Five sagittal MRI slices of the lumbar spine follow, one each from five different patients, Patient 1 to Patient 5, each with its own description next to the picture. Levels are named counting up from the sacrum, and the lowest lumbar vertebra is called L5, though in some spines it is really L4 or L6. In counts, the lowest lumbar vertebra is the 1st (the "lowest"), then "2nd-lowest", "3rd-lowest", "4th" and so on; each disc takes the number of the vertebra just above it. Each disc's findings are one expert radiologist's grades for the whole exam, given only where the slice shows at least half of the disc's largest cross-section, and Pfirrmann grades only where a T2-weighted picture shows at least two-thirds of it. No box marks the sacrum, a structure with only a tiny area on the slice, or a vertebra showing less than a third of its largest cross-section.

Patient 1 of 5:
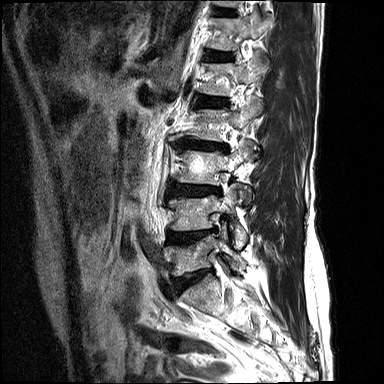

Slice 13/17 | Lumbar spine MR, T2-weighted, sagittal

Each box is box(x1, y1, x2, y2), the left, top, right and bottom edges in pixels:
5th vertebra at box(199, 51, 268, 95).
7th disc at box(215, 7, 235, 15).
6th vertebra at box(208, 12, 268, 50).
2nd-lowest vertebra at box(169, 184, 247, 248).
3rd-lowest disc at box(168, 183, 220, 196).
6th disc at box(207, 50, 233, 61).
Lowest disc at box(174, 270, 210, 290).
4th disc at box(175, 138, 228, 151).
4th vertebra at box(187, 98, 263, 141).
2nd-lowest disc at box(169, 229, 214, 243).
3rd-lowest vertebra at box(176, 141, 256, 191).
Lowest vertebra at box(165, 222, 245, 275).
5th disc at box(196, 95, 228, 107).

Radiological gradings:
  4th disc: Pfirrmann grade 3, lower-endplate change, disc narrowing, upper-endplate change, disc bulging
  5th disc: Pfirrmann grade 3, disc bulging, upper-endplate change, lower-endplate change
  6th disc: lower-endplate change, upper-endplate change
  3rd-lowest disc: Pfirrmann grade 3, lower-endplate change, upper-endplate change, disc bulging

Patient 2 of 5:
Sagittal T2-weighted lumbar spine MRI, Field of view 300x300 mm, slice spacing 3.3 mm 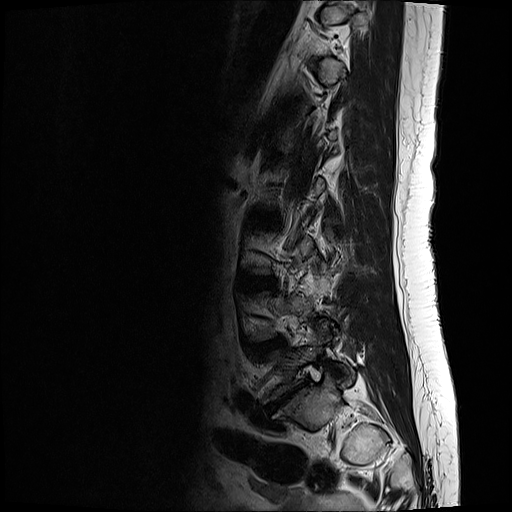

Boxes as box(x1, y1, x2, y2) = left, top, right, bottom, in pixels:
L4: box(247, 280, 327, 341)
intervertebral disc L4/L5: box(247, 338, 286, 356)
L5/S1: box(268, 389, 297, 412)
L2/L3: box(247, 214, 278, 223)
L3/L4: box(237, 278, 277, 291)
L5 vertebra: box(263, 327, 350, 403)

Radiological gradings:
  L3/L4: disc bulging

Patient 3 of 5:
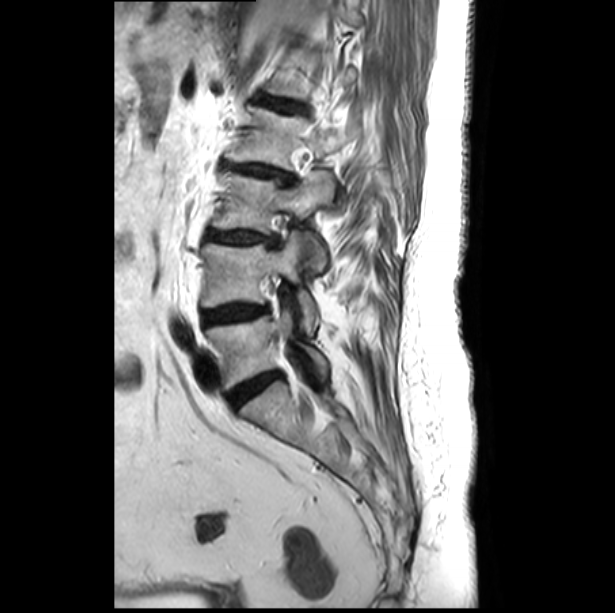
T2-weighted sagittal MRI of the lumbar spine. Sagittal slice index 21.

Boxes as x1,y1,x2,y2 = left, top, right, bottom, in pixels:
L5: 205,294,329,388.
L4: 201,231,318,333.
L2/L3: 225,162,293,184.
IVD L4/L5: 203,304,265,325.
IVD L3/L4: 208,231,277,245.
L1/L2: 264,99,304,111.
L2: 225,107,357,169.
L5/S1: 229,373,278,407.
L3 vertebra: 212,170,334,271.

Degenerative findings by level:
- L2/L3: Pfirrmann grade 3, lower-endplate change, upper-endplate change, disc bulging, disc narrowing, Modic type II
- L1/L2: lower-endplate change, disc bulging, upper-endplate change, Modic type II
- L4/L5: disc bulging
- L3/L4: Pfirrmann grade 3, lower-endplate change, disc narrowing, disc bulging, upper-endplate change, Modic type II

Patient 4 of 5:
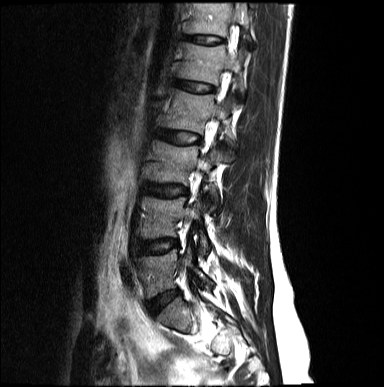 Slice 5/16. Slice spacing 4.8 mm. Lumbar spine MR, T2-weighted, sagittal. 384x387 px.

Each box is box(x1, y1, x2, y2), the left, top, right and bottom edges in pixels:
Intervertebral disc L3/L4 at box(146, 183, 185, 197); L2/L3 at box(156, 128, 199, 144); L1 vertebra at box(177, 42, 246, 93); intervertebral disc L5/S1 at box(147, 290, 178, 314); intervertebral disc T12/L1 at box(185, 35, 220, 44); T12 vertebra at box(184, 4, 252, 39); intervertebral disc L4/L5 at box(137, 239, 176, 253); L3 at box(151, 140, 229, 200); L2 at box(162, 88, 235, 145); L4 at box(141, 198, 209, 255); intervertebral disc L1/L2 at box(173, 79, 213, 92); L5 vertebra at box(138, 248, 213, 298).

Degenerative findings by level:
• L4/L5: Pfirrmann grade 2, disc bulging
• L1/L2: Pfirrmann grade 2
• L2/L3: Pfirrmann grade 2
• T12/L1: Pfirrmann grade 2
• L5/S1: disc narrowing, disc bulging
• L3/L4: Pfirrmann grade 2, disc bulging

Patient 5 of 5:
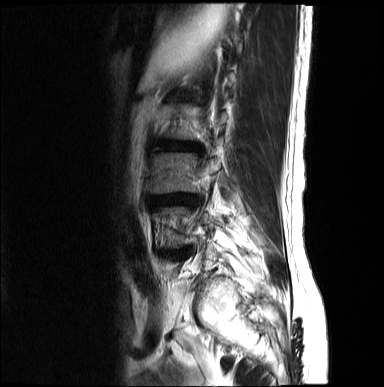 Field of view 260x262 mm, slice spacing 4.8 mm. Slice 3/17. Sagittal T2-weighted lumbar spine MRI.

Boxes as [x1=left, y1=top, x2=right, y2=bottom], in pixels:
L3/L4 (3rd-lowest disc) at [x1=151, y1=194, x2=191, y2=204], L2/L3 (4th disc) at [x1=160, y1=141, x2=193, y2=150].

Radiological gradings:
  L2/L3 (4th disc): lower-endplate change, disc narrowing, upper-endplate change, disc bulging
  L3/L4 (3rd-lowest disc): upper-endplate change, disc bulging, lower-endplate change, disc narrowing